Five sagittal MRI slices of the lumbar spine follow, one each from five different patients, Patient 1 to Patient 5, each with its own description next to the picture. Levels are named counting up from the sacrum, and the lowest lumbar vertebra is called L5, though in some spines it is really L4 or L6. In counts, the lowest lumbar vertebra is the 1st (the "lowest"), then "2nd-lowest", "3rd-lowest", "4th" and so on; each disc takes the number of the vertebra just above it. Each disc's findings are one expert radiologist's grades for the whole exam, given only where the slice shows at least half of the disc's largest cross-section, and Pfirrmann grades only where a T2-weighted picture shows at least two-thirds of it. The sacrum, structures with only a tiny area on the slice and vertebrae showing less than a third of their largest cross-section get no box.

Patient 1 of 5:
Field of view 300x300 mm, slice spacing 3.3 mm | Lumbar spine MR, T1-weighted, sagittal | Slice 12 of 19

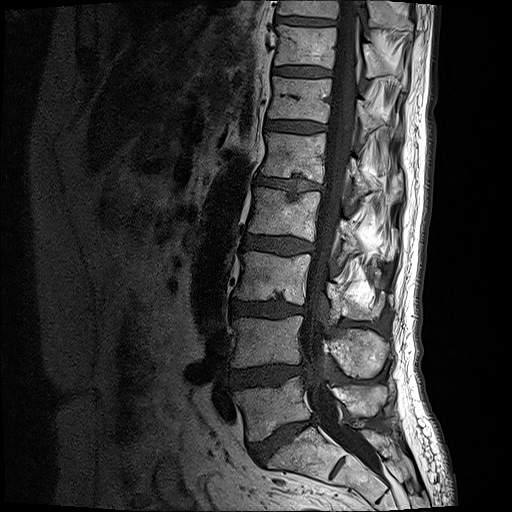
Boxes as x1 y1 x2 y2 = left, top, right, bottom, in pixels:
Disc L5/S1 at 248 417 317 464.
Thecal sac / spinal canal at 299 1 380 469.
L1 at 261 131 401 200.
Disc L4/L5 at 229 364 308 388.
T12/L1 at 265 119 324 132.
Disc L1/L2 at 253 175 323 190.
L5 at 234 376 383 441.
L2 vertebra at 249 187 357 258.
T11/T12 at 274 67 330 77.
T10 at 278 0 412 29.
Disc L3/L4 at 230 299 306 318.
L3 vertebra at 233 251 383 321.
T11 vertebra at 275 26 405 83.
T12 vertebra at 269 76 377 137.
L4 at 232 316 389 378.
L2/L3 at 241 234 312 255.
T10/T11 at 274 15 334 26.

Per-level radiological findings:
  L5/S1: disc narrowing, lower-endplate change, Modic type II, disc bulging
  L2/L3: disc bulging
  L4/L5: disc bulging, disc herniation
  L1/L2: lower-endplate change, disc narrowing, upper-endplate change, disc bulging, Modic type II
  L3/L4: lower-endplate change, disc narrowing, Modic type II, disc bulging
  T11/T12, T12/L1: no herniation, bulging, narrowing, spondylolisthesis, endplate or Modic change recorded

Patient 2 of 5:
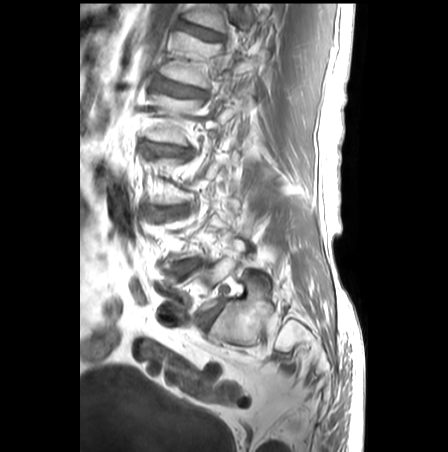 Slice 6 of 27, MRI lumbar spine (T1-weighted), sagittal plane

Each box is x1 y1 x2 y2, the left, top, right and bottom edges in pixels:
L1 vertebra at 165 32 254 88, T12/L1 at 178 21 220 39, intervertebral disc L4/L5 at 175 260 198 278, intervertebral disc L5/S1 at 206 303 223 323, intervertebral disc L1/L2 at 154 79 204 96, intervertebral disc L2/L3 at 146 143 190 156.

Expert MSK radiologist gradings (per disc):
  L1/L2: lower-endplate change, disc bulging, upper-endplate change, Modic type II
  L2/L3: disc bulging
  T12/L1: no herniation, bulging, narrowing, spondylolisthesis, endplate or Modic change recorded

Patient 3 of 5:
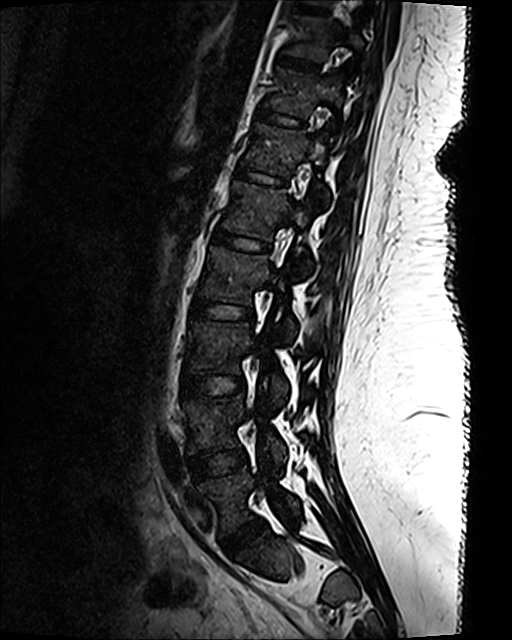 Lumbar spine MR, T2 SPACE (3D), sagittal, Patient sex: F
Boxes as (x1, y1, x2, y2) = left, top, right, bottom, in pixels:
L4/L5 at (189, 449, 247, 479), L1/L2 at (214, 230, 268, 251), T11 at (270, 69, 343, 137), T10 at (288, 16, 364, 64), L2 at (199, 246, 295, 340), L4 at (182, 396, 285, 463), L3 vertebra at (188, 321, 288, 403), T10/T11 at (281, 56, 317, 70), spinal canal at (275, 171, 306, 270), L5/S1 at (223, 519, 265, 556), L3/L4 at (182, 374, 244, 396), disc L2/L3 at (192, 299, 252, 319), L5 at (196, 462, 299, 532), T12/L1 at (237, 167, 285, 185), L1 at (222, 180, 317, 271), T11/T12 at (258, 108, 303, 126), T12 vertebra at (245, 123, 329, 205).

Radiological gradings:
- T12/L1: Pfirrmann grade 1
- L2/L3: Pfirrmann grade 1
- L1/L2: Pfirrmann grade 1
- L3/L4: Pfirrmann grade 1
- T11/T12: Pfirrmann grade 1
- L4/L5: Pfirrmann grade 1
- T10/T11: no spondylolisthesis, narrowing, bulging, herniation, Modic or endplate change recorded

Patient 4 of 5:
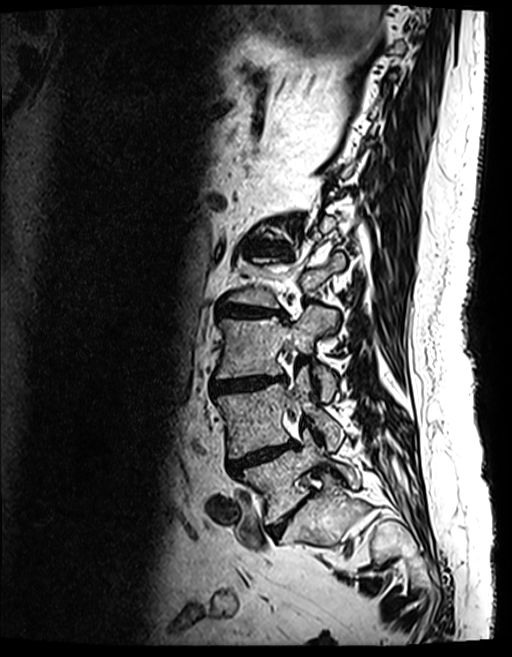

Image 512x657; Sex F; Lumbar spine MR, T2 SPACE (3D), sagittal

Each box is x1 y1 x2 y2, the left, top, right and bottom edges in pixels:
Structures:
- L4/L5: 228 442 294 474
- L5/S1: 271 501 304 536
- L3: 218 305 336 399
- L3/L4: 214 376 284 390
- L4 vertebra: 217 367 343 457
- IVD L2/L3: 216 302 284 316
- L5: 239 428 360 524

Expert MSK radiologist gradings (per disc):
• L4/L5: Pfirrmann grade 5, disc narrowing, disc bulging, lower-endplate change, Modic type II, upper-endplate change
• L2/L3: Pfirrmann grade 4, disc bulging, disc narrowing, upper-endplate change, lower-endplate change, Modic type II
• L3/L4: Pfirrmann grade 4, Modic type II, upper-endplate change, disc bulging, lower-endplate change, disc narrowing

Patient 5 of 5:
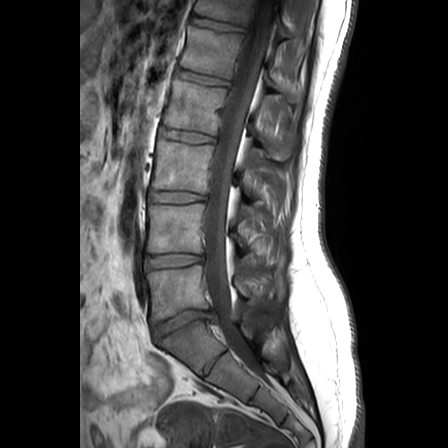 Patient sex: M; 448x448 px; MRI lumbar spine (T1-weighted), sagittal plane

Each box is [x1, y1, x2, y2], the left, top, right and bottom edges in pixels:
L5/S1 at [152, 310, 210, 338], thecal sac / spinal canal at [204, 0, 273, 372], L1 vertebra at [180, 26, 275, 86], L5 at [147, 265, 256, 322], L4 vertebra at [147, 203, 243, 252], L3 at [151, 138, 257, 193], L2 vertebra at [163, 77, 283, 159], L3/L4 at [150, 192, 205, 202], L2/L3 at [161, 130, 214, 142], L4/L5 at [147, 254, 203, 267], intervertebral disc T12/L1 at [191, 15, 244, 31], T12 vertebra at [195, 0, 288, 37], intervertebral disc L1/L2 at [176, 69, 228, 85].

Per-level radiological findings:
• L5/S1: disc herniation, upper-endplate change, Modic type II, lower-endplate change
• L4/L5, L1/L2, L3/L4, L2/L3, T12/L1: no spondylolisthesis, narrowing, bulging, herniation, Modic or endplate change recorded